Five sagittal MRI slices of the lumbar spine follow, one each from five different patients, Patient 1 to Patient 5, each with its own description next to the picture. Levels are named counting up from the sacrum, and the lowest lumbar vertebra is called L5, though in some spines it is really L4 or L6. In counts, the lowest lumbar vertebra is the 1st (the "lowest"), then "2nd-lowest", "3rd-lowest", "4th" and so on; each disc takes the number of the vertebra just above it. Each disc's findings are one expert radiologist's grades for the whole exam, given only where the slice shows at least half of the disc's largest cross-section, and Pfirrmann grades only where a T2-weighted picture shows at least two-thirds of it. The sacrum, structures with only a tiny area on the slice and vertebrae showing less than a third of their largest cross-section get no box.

Patient 1 of 5:
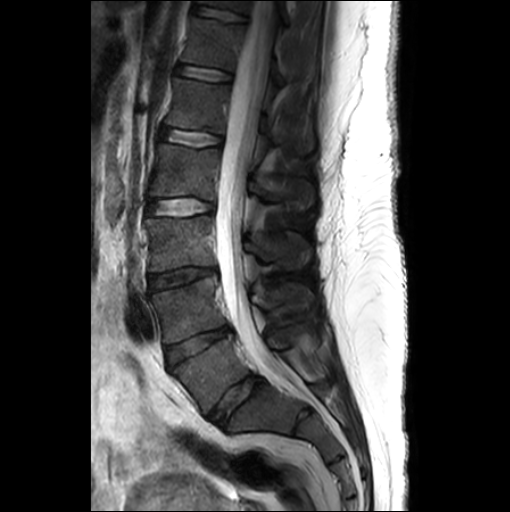
MRI lumbar spine (T2-weighted), sagittal plane

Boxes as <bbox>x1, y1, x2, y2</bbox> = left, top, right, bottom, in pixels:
L3 vertebra: <bbox>146, 216, 308, 271</bbox>.
L2/L3: <bbox>147, 198, 213, 215</bbox>.
Disc T12/L1: <bbox>175, 64, 231, 81</bbox>.
Disc L3/L4: <bbox>148, 267, 215, 291</bbox>.
Disc L5/S1: <bbox>208, 375, 263, 425</bbox>.
T11: <bbox>198, 0, 287, 25</bbox>.
L1/L2: <bbox>160, 128, 222, 146</bbox>.
L5 vertebra: <bbox>173, 320, 319, 413</bbox>.
L1: <bbox>165, 77, 313, 154</bbox>.
Disc L4/L5: <bbox>166, 326, 231, 365</bbox>.
T11/T12: <bbox>192, 4, 246, 21</bbox>.
L2 vertebra: <bbox>150, 144, 314, 208</bbox>.
T12: <bbox>182, 17, 282, 88</bbox>.
L4 vertebra: <bbox>149, 277, 313, 343</bbox>.
Spinal canal: <bbox>216, 0, 283, 372</bbox>.

Radiological gradings:
• L2/L3: Pfirrmann grade 1
• L5/S1: Pfirrmann grade 3, disc bulging
• L3/L4: Pfirrmann grade 3, disc narrowing, disc bulging
• L4/L5: Pfirrmann grade 3, disc narrowing, disc bulging
• L1/L2: Pfirrmann grade 1
• T12/L1: Pfirrmann grade 1
• T11/T12: Pfirrmann grade 1

Patient 2 of 5:
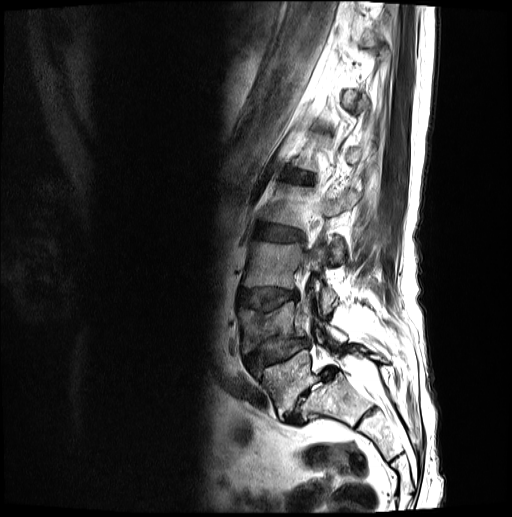 Image 512x517. Patient sex: M. Lumbar spine MR, T2-weighted, sagittal.
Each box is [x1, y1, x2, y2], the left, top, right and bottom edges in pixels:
Structures:
• L4: [238, 294, 347, 353]
• L2: [261, 184, 357, 262]
• L3/L4: [238, 288, 297, 308]
• L5/S1: [284, 369, 334, 425]
• L5: [249, 348, 388, 416]
• L4/L5: [244, 337, 309, 368]
• L3: [243, 242, 334, 314]
• intervertebral disc L2/L3: [254, 225, 303, 242]
• L1/L2: [285, 172, 312, 184]

Degenerative findings by level:
- L2/L3: Pfirrmann grade 3, disc bulging
- L4/L5: Pfirrmann grade 3, disc herniation, spondylolisthesis, upper-endplate change, lower-endplate change, disc narrowing
- L3/L4: Pfirrmann grade 3, lower-endplate change, disc bulging, upper-endplate change
- L5/S1: Pfirrmann grade 5, disc herniation, Modic type II, spondylolisthesis, disc narrowing

Patient 3 of 5:
Slice 18 of 27; T1-weighted sagittal MRI of the lumbar spine

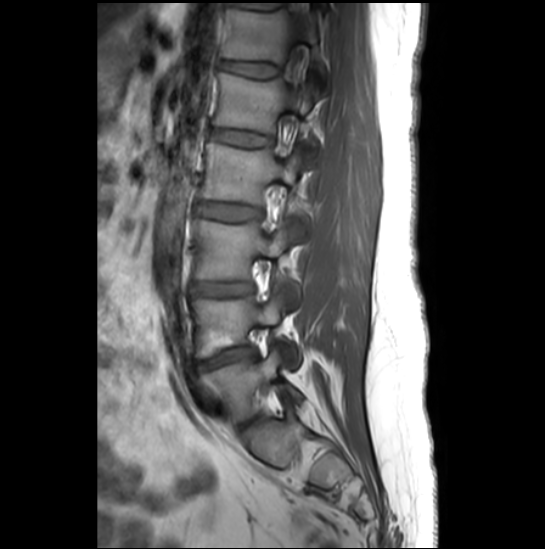 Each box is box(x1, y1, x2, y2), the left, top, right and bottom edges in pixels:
L3 vertebra at box(193, 220, 301, 307); L1/L2 at box(208, 128, 271, 146); T12 vertebra at box(223, 9, 329, 95); L4 vertebra at box(192, 289, 302, 369); intervertebral disc T12/L1 at box(221, 61, 279, 77); thecal sac / spinal canal at box(288, 3, 308, 85); intervertebral disc L4/L5 at box(198, 347, 256, 369); L2/L3 at box(196, 202, 261, 221); L2 at box(198, 144, 308, 231); L3/L4 at box(191, 283, 252, 296); L5/S1 at box(238, 418, 253, 428); L5 at box(202, 348, 303, 421); L1 vertebra at box(213, 73, 323, 165).

Per-level radiological findings:
  L1/L2, L3/L4, T12/L1, L2/L3: no spondylolisthesis, narrowing, bulging, herniation, Modic or endplate change recorded

Patient 4 of 5:
Patient sex: M; Field of view 240x300 mm, slice spacing 0.9 mm; MRI lumbar spine (T2 SPACE (3D)), sagittal plane

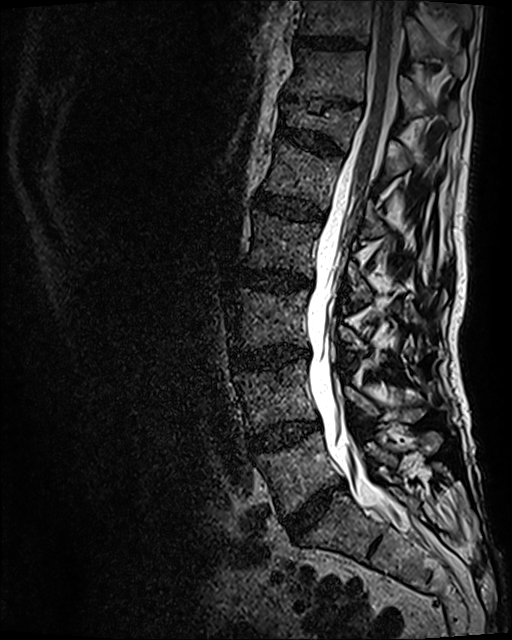 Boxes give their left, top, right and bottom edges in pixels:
Annotations:
* L3 = left=231, top=289, right=367, bottom=359
* T12 = left=281, top=103, right=409, bottom=178
* L2 = left=245, top=210, right=372, bottom=307
* L1/L2 = left=255, top=192, right=323, bottom=219
* T10/T11 = left=295, top=36, right=359, bottom=49
* intervertebral disc L2/L3 = left=235, top=269, right=312, bottom=291
* L4 vertebra = left=235, top=359, right=424, bottom=432
* L4/L5 = left=248, top=422, right=319, bottom=454
* T11/T12 = left=308, top=99, right=350, bottom=111
* L3/L4 = left=232, top=346, right=309, bottom=369
* T11 vertebra = left=286, top=49, right=456, bottom=122
* T10 = left=301, top=0, right=466, bottom=77
* L5 vertebra = left=257, top=432, right=441, bottom=513
* intervertebral disc L5/S1 = left=283, top=485, right=341, bottom=540
* L1 = left=263, top=139, right=385, bottom=238
* T12/L1 = left=277, top=125, right=342, bottom=154
* spinal canal = left=306, top=0, right=430, bottom=546

Radiological gradings:
- T10/T11: Pfirrmann grade 3
- L5/S1: Pfirrmann grade 4, disc narrowing, disc bulging
- L1/L2: Pfirrmann grade 3
- T11/T12: Pfirrmann grade 5, upper-endplate change, lower-endplate change, disc narrowing
- L3/L4: Pfirrmann grade 4, Modic type II, disc bulging, disc narrowing
- T12/L1: Pfirrmann grade 3, upper-endplate change, lower-endplate change
- L4/L5: Pfirrmann grade 3, Modic type II, disc bulging
- L2/L3: Pfirrmann grade 3, disc bulging, Modic type II

Patient 5 of 5:
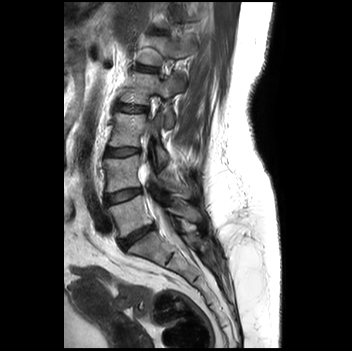
Slice 21 of 35 | Sex F | T2-weighted sagittal MRI of the lumbar spine
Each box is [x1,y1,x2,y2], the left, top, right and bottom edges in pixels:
L3/L4 (3rd-lowest disc): [106,147,139,156] | L5 (lowest vertebra): [107,196,202,237] | thecal sac / spinal canal: [150,198,182,246] | L4/L5 (2nd-lowest disc): [104,187,142,205] | L1 (5th vertebra): [139,36,196,65] | L1/L2 (5th disc): [136,65,157,71] | disc L5/S1 (lowest disc): [118,226,154,249] | L2 (4th vertebra): [120,72,183,128] | disc L2/L3 (4th disc): [116,104,147,112] | L3 (3rd-lowest vertebra): [109,112,168,170] | L4 (2nd-lowest vertebra): [104,154,191,198]

Degenerative findings by level:
  L4/L5 (2nd-lowest disc): Pfirrmann grade 2
  L2/L3 (4th disc): Pfirrmann grade 1
  L3/L4 (3rd-lowest disc): Pfirrmann grade 1
  L5/S1 (lowest disc): Pfirrmann grade 4, Modic type II, disc narrowing, upper-endplate change, lower-endplate change